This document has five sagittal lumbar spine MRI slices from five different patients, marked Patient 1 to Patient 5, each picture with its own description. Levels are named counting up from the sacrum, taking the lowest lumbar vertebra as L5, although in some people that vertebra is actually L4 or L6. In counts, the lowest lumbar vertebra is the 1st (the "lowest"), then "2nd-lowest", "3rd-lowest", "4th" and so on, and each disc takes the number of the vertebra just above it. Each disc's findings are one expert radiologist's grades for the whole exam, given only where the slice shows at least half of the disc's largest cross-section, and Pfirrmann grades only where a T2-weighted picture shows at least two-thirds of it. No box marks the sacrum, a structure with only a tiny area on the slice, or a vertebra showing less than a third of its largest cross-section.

Patient 1 of 5:
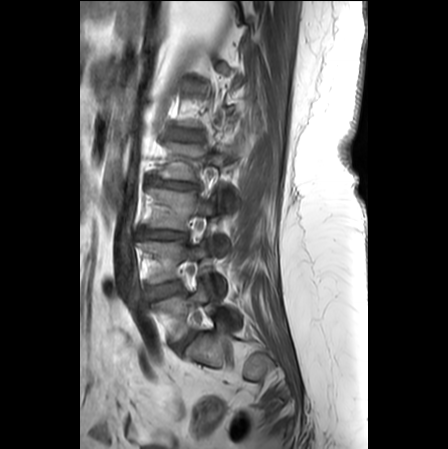

MRI lumbar spine (T1-weighted), sagittal plane; Patient sex: F; 448x449 px; Sagittal slice index 7
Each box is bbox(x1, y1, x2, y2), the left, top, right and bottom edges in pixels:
L5 (lowest vertebra): bbox(155, 282, 241, 339)
disc L5/S1 (lowest disc): bbox(175, 332, 196, 348)
L3/L4 (3rd-lowest disc): bbox(139, 229, 187, 239)
disc L1/L2 (5th disc): bbox(174, 131, 201, 140)
L4/L5 (2nd-lowest disc): bbox(150, 280, 181, 299)
L3 (3rd-lowest vertebra): bbox(147, 188, 229, 249)
disc L2/L3 (4th disc): bbox(147, 177, 197, 188)
L4 (2nd-lowest vertebra): bbox(137, 241, 224, 291)
L2 (4th vertebra): bbox(153, 143, 238, 208)

Expert MSK radiologist gradings (per disc):
  L4/L5 (2nd-lowest disc): upper-endplate change, lower-endplate change, Modic type II, disc bulging
  L3/L4 (3rd-lowest disc): upper-endplate change, disc narrowing, disc bulging, lower-endplate change
  L2/L3 (4th disc): upper-endplate change, Modic type II, lower-endplate change, disc narrowing, disc herniation

Patient 2 of 5:
Slice 12 of 17, T2-weighted sagittal MRI of the lumbar spine

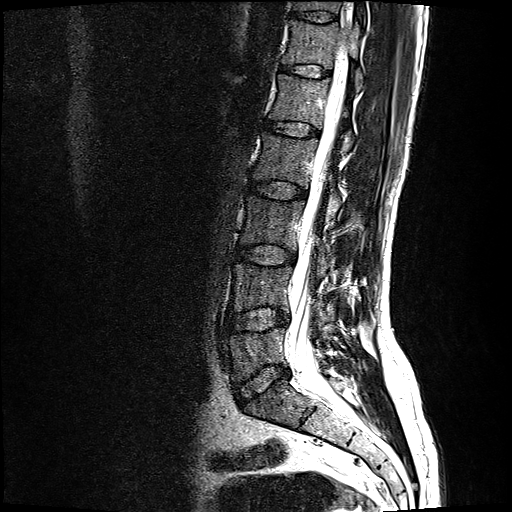

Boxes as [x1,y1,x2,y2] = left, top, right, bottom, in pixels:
lowest vertebra: [226,326,327,379]
2nd-lowest vertebra: [230,261,328,319]
6th vertebra: [282,19,363,90]
5th disc: [265,120,319,135]
6th disc: [280,64,330,76]
7th disc: [292,11,336,21]
lowest disc: [233,364,291,404]
7th vertebra: [294,0,365,22]
4th disc: [248,180,307,198]
3rd-lowest vertebra: [241,192,362,269]
3rd-lowest disc: [236,243,296,263]
thecal sac / spinal canal: [291,37,347,393]
4th vertebra: [252,130,342,215]
2nd-lowest disc: [226,306,290,329]
5th vertebra: [268,73,353,150]

Radiological gradings:
- lowest disc: Pfirrmann grade 2, disc bulging
- 3rd-lowest disc: Pfirrmann grade 2, disc bulging
- 5th disc: Pfirrmann grade 2
- 4th disc: Pfirrmann grade 2
- 2nd-lowest disc: Pfirrmann grade 2, disc bulging
- 6th disc: Pfirrmann grade 2
- 7th disc: Pfirrmann grade 2

Patient 3 of 5:
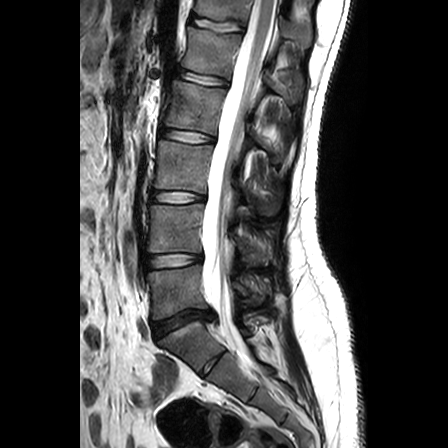
T2-weighted sagittal MRI of the lumbar spine; Slice spacing 3.3 mm; Patient sex: M
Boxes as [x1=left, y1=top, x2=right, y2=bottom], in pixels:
T12 vertebra: [x1=195, y1=0, x2=311, y2=47]
intervertebral disc L4/L5: [x1=146, y1=254, x2=201, y2=268]
L2/L3: [x1=160, y1=128, x2=213, y2=142]
intervertebral disc T12/L1: [x1=191, y1=15, x2=242, y2=32]
spinal canal: [x1=202, y1=0, x2=276, y2=363]
L3: [x1=155, y1=140, x2=279, y2=214]
L4: [x1=148, y1=204, x2=265, y2=261]
L5/S1: [x1=153, y1=310, x2=217, y2=338]
intervertebral disc L1/L2: [x1=177, y1=69, x2=227, y2=86]
L5 vertebra: [x1=147, y1=265, x2=268, y2=319]
intervertebral disc L3/L4: [x1=151, y1=190, x2=204, y2=202]
L1 vertebra: [x1=183, y1=27, x2=302, y2=100]
L2: [x1=165, y1=80, x2=285, y2=153]

Expert MSK radiologist gradings (per disc):
• L2/L3: Pfirrmann grade 1
• L1/L2: Pfirrmann grade 1
• L5/S1: Pfirrmann grade 3, upper-endplate change, lower-endplate change, disc herniation, Modic type II
• L4/L5: Pfirrmann grade 1
• L3/L4: Pfirrmann grade 1
• T12/L1: Pfirrmann grade 1

Patient 4 of 5:
T2 SPACE (3D) sagittal MRI of the lumbar spine 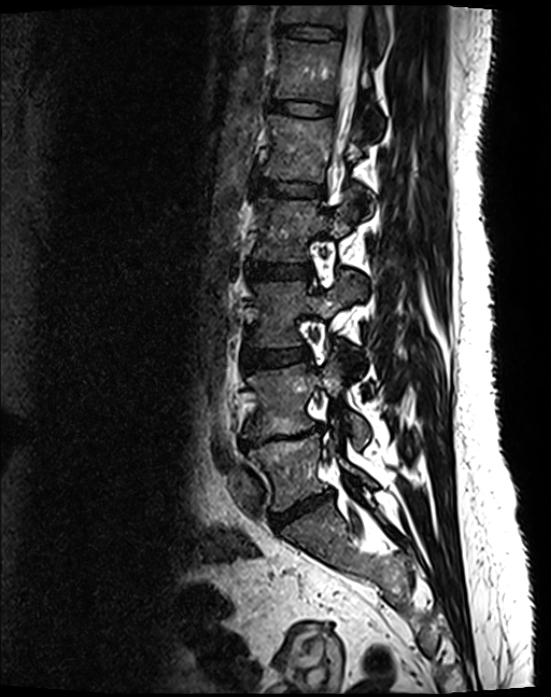 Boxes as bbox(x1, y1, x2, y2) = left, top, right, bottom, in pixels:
IVD T11/T12: bbox(278, 25, 341, 37).
L1: bbox(263, 115, 373, 210).
IVD L4/L5: bbox(241, 425, 323, 448).
T11: bbox(279, 5, 388, 51).
L2/L3: bbox(247, 263, 312, 279).
L5: bbox(248, 431, 374, 510).
IVD L1/L2: bbox(256, 179, 323, 195).
IVD L3/L4: bbox(245, 347, 309, 369).
L2 vertebra: bbox(253, 196, 359, 261).
IVD T12/L1: bbox(268, 100, 333, 115).
L4 vertebra: bbox(242, 357, 370, 447).
T12: bbox(273, 38, 382, 131).
Spinal canal: bbox(333, 5, 365, 162).
L5/S1: bbox(271, 494, 329, 528).
L3: bbox(252, 271, 365, 347).

Degenerative findings by level:
  L5/S1: disc bulging, disc narrowing
  L2/L3: Pfirrmann grade 2
  L1/L2: Pfirrmann grade 2
  T11/T12: Pfirrmann grade 2
  T12/L1: Pfirrmann grade 2
  L4/L5: lower-endplate change, upper-endplate change, disc narrowing, disc bulging, Modic type II
  L3/L4: no Modic or endplate change, herniation, narrowing, bulging or spondylolisthesis recorded

Patient 5 of 5:
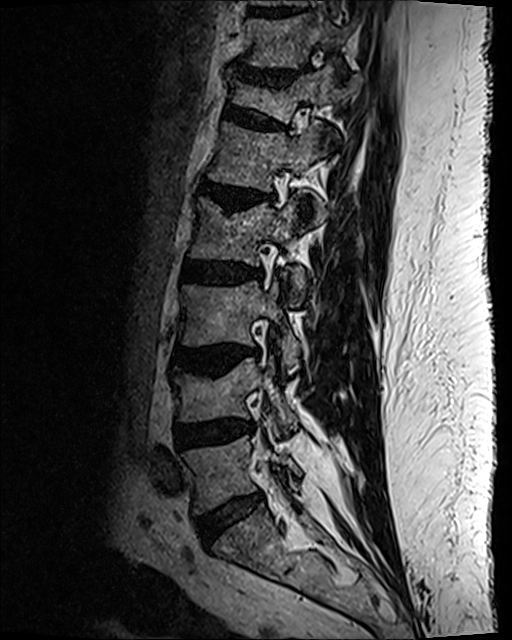
T2 SPACE (3D) sagittal MRI of the lumbar spine

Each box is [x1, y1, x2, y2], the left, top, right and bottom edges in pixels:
L3/L4: [176, 346, 258, 372].
T11: [246, 15, 347, 68].
L3: [181, 281, 300, 374].
Intervertebral disc L4/L5: [175, 422, 245, 447].
L1: [209, 123, 331, 191].
L1/L2: [200, 181, 262, 210].
T10/T11: [254, 10, 297, 18].
Intervertebral disc L2/L3: [182, 261, 263, 284].
L2: [191, 197, 303, 301].
T11/T12: [230, 66, 307, 87].
T12/L1: [226, 106, 282, 129].
Intervertebral disc L5/S1: [197, 493, 262, 541].
L4 vertebra: [172, 358, 298, 429].
T12 vertebra: [231, 64, 344, 122].
L5: [183, 435, 301, 514].

Per-level radiological findings:
• L5/S1: Pfirrmann grade 2, disc bulging
• T11/T12: Pfirrmann grade 2, disc narrowing, upper-endplate change, lower-endplate change, disc bulging
• L1/L2: Pfirrmann grade 3, disc narrowing, Modic type II, disc bulging, upper-endplate change, lower-endplate change
• L3/L4: Pfirrmann grade 3, upper-endplate change, Modic type II, disc bulging, lower-endplate change
• L4/L5: Pfirrmann grade 3, disc narrowing, disc bulging
• T12/L1: upper-endplate change, spondylolisthesis, disc bulging, lower-endplate change
• L2/L3: Pfirrmann grade 3, lower-endplate change, disc bulging